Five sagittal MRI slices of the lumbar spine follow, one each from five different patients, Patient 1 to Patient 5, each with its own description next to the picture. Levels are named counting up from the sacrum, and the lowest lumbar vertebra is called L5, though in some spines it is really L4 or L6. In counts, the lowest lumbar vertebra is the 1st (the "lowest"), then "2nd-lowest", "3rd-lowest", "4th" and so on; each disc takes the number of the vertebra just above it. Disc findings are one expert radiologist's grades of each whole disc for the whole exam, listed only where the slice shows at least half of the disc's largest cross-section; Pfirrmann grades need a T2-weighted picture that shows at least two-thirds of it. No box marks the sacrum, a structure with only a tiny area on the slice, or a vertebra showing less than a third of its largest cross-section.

Patient 1 of 5:
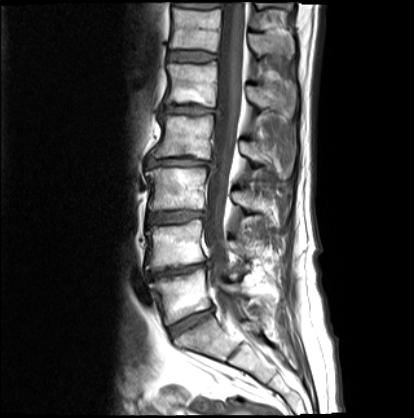 Lumbar spine MR, T1-weighted, sagittal, Sagittal slice index 9, Field of view 260x262 mm

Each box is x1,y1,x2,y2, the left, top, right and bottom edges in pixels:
L3/L4 at 148,210,206,223; L5 at 149,268,255,324; L2 at 151,114,291,178; T12 vertebra at 170,7,294,56; L1 vertebra at 164,62,295,117; thecal sac / spinal canal at 204,2,245,307; T12/L1 at 168,51,216,61; L4 vertebra at 146,219,262,269; L3 vertebra at 146,168,275,214; disc L2/L3 at 148,158,215,168; L5/S1 at 170,309,211,336; disc L1/L2 at 163,105,219,114; disc L4/L5 at 148,261,209,278.

Expert MSK radiologist gradings (per disc):
- L4/L5: Modic type II, disc narrowing, lower-endplate change, upper-endplate change, disc bulging
- L5/S1: Modic type II, disc bulging, disc narrowing
- L1/L2: upper-endplate change, Modic type II, lower-endplate change, disc bulging, disc narrowing
- L2/L3: disc bulging, lower-endplate change, upper-endplate change, Modic type II, disc narrowing
- L3/L4: disc bulging, disc narrowing, Modic type II
- T12/L1: no Modic or endplate change, herniation, narrowing, bulging or spondylolisthesis recorded

Patient 2 of 5:
MRI lumbar spine (T1-weighted), sagittal plane

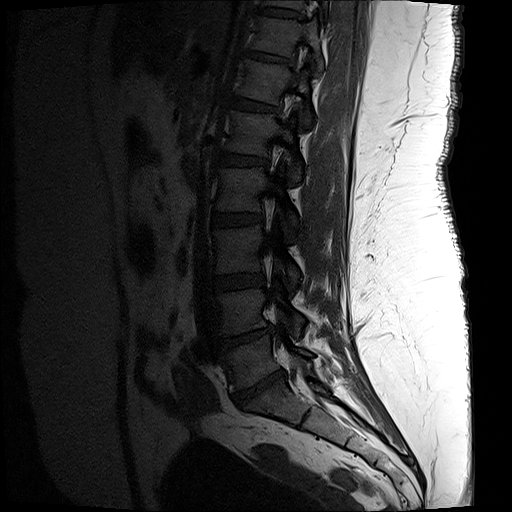 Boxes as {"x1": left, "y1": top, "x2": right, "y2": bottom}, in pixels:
IVD L1/L2 at {"x1": 220, "y1": 152, "x2": 266, "y2": 165}, L5 vertebra at {"x1": 221, "y1": 335, "x2": 314, "y2": 391}, L3/L4 at {"x1": 215, "y1": 274, "x2": 263, "y2": 290}, T11 vertebra at {"x1": 252, "y1": 17, "x2": 324, "y2": 72}, L4 vertebra at {"x1": 217, "y1": 282, "x2": 304, "y2": 336}, L3 vertebra at {"x1": 214, "y1": 225, "x2": 300, "y2": 288}, thecal sac / spinal canal at {"x1": 264, "y1": 88, "x2": 292, "y2": 352}, T10/T11 at {"x1": 260, "y1": 7, "x2": 297, "y2": 18}, T12/L1 at {"x1": 234, "y1": 98, "x2": 274, "y2": 111}, IVD L5/S1 at {"x1": 233, "y1": 370, "x2": 285, "y2": 406}, L1 at {"x1": 226, "y1": 111, "x2": 302, "y2": 181}, IVD L4/L5 at {"x1": 218, "y1": 326, "x2": 275, "y2": 350}, T11/T12 at {"x1": 248, "y1": 51, "x2": 287, "y2": 62}, T10 vertebra at {"x1": 262, "y1": 0, "x2": 328, "y2": 9}, L2 at {"x1": 216, "y1": 167, "x2": 298, "y2": 237}, L2/L3 at {"x1": 213, "y1": 213, "x2": 261, "y2": 226}, T12 at {"x1": 239, "y1": 59, "x2": 314, "y2": 127}.

Degenerative findings by level:
  L2/L3: lower-endplate change, upper-endplate change
  T11/T12: lower-endplate change
  L5/S1: lower-endplate change, Modic type II, disc narrowing, disc herniation, upper-endplate change
  L4/L5: disc narrowing, lower-endplate change, Modic type II, disc herniation, upper-endplate change
  L1/L2: lower-endplate change
  T12/L1, L3/L4: no Modic or endplate change, herniation, narrowing, bulging or spondylolisthesis recorded

Patient 3 of 5:
MRI lumbar spine (T2 SPACE (3D)), sagittal plane; Sagittal slice index 56; Slice spacing 0.9 mm; Scanner: SIEMENS Avanto_fit (1.5T)
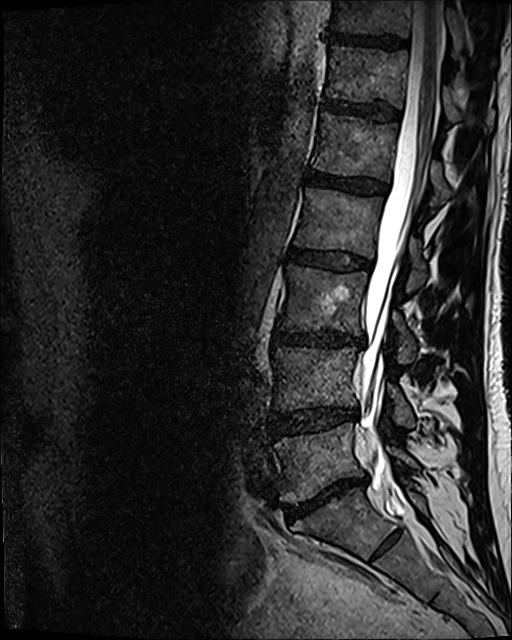 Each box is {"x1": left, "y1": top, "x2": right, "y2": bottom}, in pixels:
{"L3": {"x1": 279, "y1": 264, "x2": 415, "y2": 364}, "L4": {"x1": 273, "y1": 347, "x2": 414, "y2": 426}, "L4/L5": {"x1": 274, "y1": 408, "x2": 358, "y2": 436}, "L5 vertebra": {"x1": 275, "y1": 423, "x2": 419, "y2": 503}, "T11/T12": {"x1": 328, "y1": 33, "x2": 407, "y2": 49}, "L2 vertebra": {"x1": 294, "y1": 188, "x2": 426, "y2": 293}, "disc T12/L1": {"x1": 325, "y1": 100, "x2": 400, "y2": 119}, "T11 vertebra": {"x1": 331, "y1": 0, "x2": 465, "y2": 56}, "disc L1/L2": {"x1": 306, "y1": 170, "x2": 388, "y2": 195}, "disc L5/S1": {"x1": 286, "y1": 476, "x2": 366, "y2": 519}, "L3/L4": {"x1": 274, "y1": 331, "x2": 365, "y2": 346}, "T12": {"x1": 327, "y1": 44, "x2": 493, "y2": 121}, "spinal canal": {"x1": 361, "y1": 1, "x2": 443, "y2": 509}, "L1 vertebra": {"x1": 312, "y1": 112, "x2": 450, "y2": 207}, "disc L2/L3": {"x1": 290, "y1": 249, "x2": 372, "y2": 270}}

Expert MSK radiologist gradings (per disc):
- L5/S1: Pfirrmann grade 5, disc bulging, disc narrowing, Modic type II
- L1/L2: Pfirrmann grade 4
- L2/L3: Pfirrmann grade 3, disc bulging
- L3/L4: Pfirrmann grade 4, disc bulging, disc narrowing, lower-endplate change
- L4/L5: Pfirrmann grade 3, disc narrowing, disc bulging
- T12/L1: Pfirrmann grade 3
- T11/T12: Pfirrmann grade 4

Patient 4 of 5:
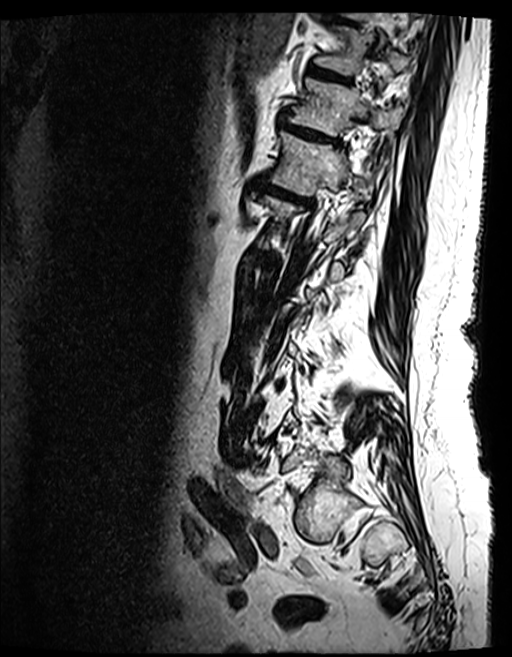 Lumbar spine MR, T2 SPACE (3D), sagittal, Slice 44 of 154, Patient sex: F

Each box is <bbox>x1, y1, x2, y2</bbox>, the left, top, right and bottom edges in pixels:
T12/L1 (6th disc): <bbox>269, 187, 308, 203</bbox>.
T10 (8th vertebra): <bbox>316, 27, 413, 75</bbox>.
Intervertebral disc T10/T11 (8th disc): <bbox>312, 68, 348, 82</bbox>.
T12 (6th vertebra): <bbox>274, 133, 361, 195</bbox>.
T11 (7th vertebra): <bbox>290, 81, 398, 135</bbox>.
Intervertebral disc T9/T10 (9th disc): <bbox>322, 10, 342, 21</bbox>.
Intervertebral disc T11/T12 (7th disc): <bbox>283, 123, 335, 142</bbox>.

Expert MSK radiologist gradings (per disc):
- T11/T12 (7th disc): Pfirrmann grade 5, Modic type II, disc narrowing, upper-endplate change, disc bulging, lower-endplate change

Patient 5 of 5:
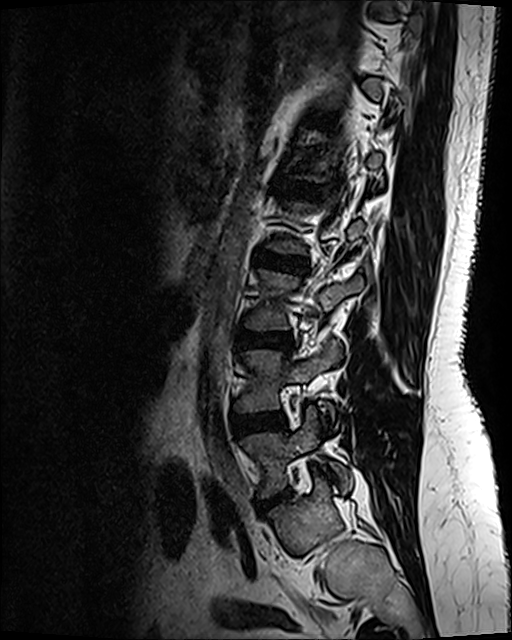
Sagittal T2 SPACE (3D) lumbar spine MRI; 512x640 px; Slice 84 of 120
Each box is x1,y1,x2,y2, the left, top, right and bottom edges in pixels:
L4: 237,340,340,418
L1/L2: 275,182,323,196
IVD L3/L4: 237,331,289,348
L5/S1: 256,495,284,509
L4/L5: 232,414,286,433
L2/L3: 254,251,304,275
L5: 241,407,351,497
L3 vertebra: 246,271,363,330

Degenerative findings by level:
• L3/L4: disc bulging
• L4/L5: disc bulging
• L2/L3: Pfirrmann grade 4, upper-endplate change, lower-endplate change, disc bulging